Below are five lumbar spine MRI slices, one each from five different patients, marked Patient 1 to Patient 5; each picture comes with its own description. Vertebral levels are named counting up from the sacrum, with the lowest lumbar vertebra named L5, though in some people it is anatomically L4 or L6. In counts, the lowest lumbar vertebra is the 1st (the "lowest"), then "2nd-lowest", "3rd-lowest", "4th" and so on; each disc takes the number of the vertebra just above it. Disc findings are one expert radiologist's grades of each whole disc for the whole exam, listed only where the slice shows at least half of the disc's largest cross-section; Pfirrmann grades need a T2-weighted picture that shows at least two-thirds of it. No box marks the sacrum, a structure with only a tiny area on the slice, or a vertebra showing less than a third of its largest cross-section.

Patient 1 of 5:
Patient sex: F. Lumbar spine MR, T2 SPACE (3D), sagittal.
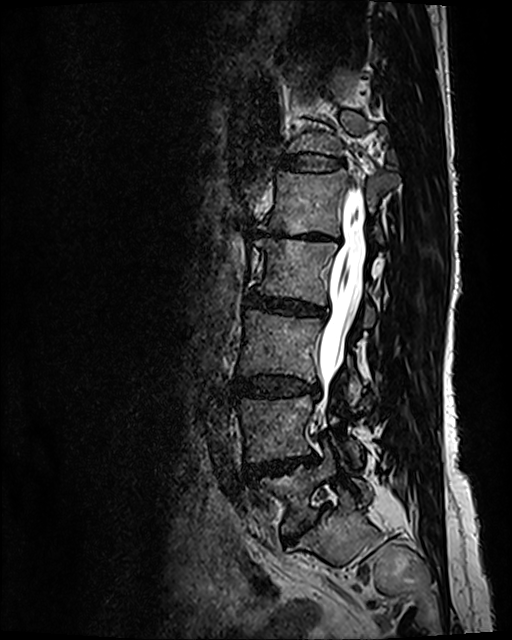
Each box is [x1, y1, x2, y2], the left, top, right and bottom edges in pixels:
Intervertebral disc L3/L4 (3rd-lowest disc): [235, 376, 317, 397].
L4 (2nd-lowest vertebra): [238, 395, 360, 464].
L2/L3 (4th disc): [248, 293, 325, 316].
Spinal canal: [319, 190, 365, 416].
T12/L1 (6th disc): [281, 154, 343, 173].
Intervertebral disc L1/L2 (5th disc): [256, 229, 338, 243].
L5 (lowest vertebra): [254, 440, 369, 532].
L5/S1 (lowest disc): [284, 507, 326, 543].
L3 (3rd-lowest vertebra): [239, 310, 362, 406].
L1 (5th vertebra): [259, 169, 397, 244].
L2 (4th vertebra): [257, 239, 375, 327].
Intervertebral disc L4/L5 (2nd-lowest disc): [246, 456, 315, 479].

Degenerative findings by level:
- L3/L4 (3rd-lowest disc): Pfirrmann grade 3, disc bulging
- T12/L1 (6th disc): Pfirrmann grade 2
- L1/L2 (5th disc): Pfirrmann grade 5, disc bulging, Modic type II, lower-endplate change, upper-endplate change, disc narrowing
- L2/L3 (4th disc): Pfirrmann grade 3, disc bulging, disc narrowing
- L4/L5 (2nd-lowest disc): Modic type II, disc narrowing, disc bulging

Patient 2 of 5:
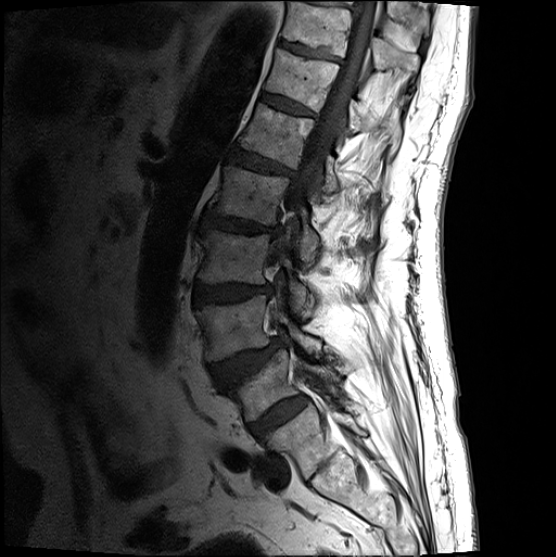 MRI lumbar spine (T1-weighted), sagittal plane; Patient sex: M

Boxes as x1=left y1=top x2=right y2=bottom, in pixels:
7th disc: x1=278 y1=42 x2=340 y2=63.
3rd-lowest disc: x1=194 y1=286 x2=273 y2=308.
7th vertebra: x1=281 y1=3 x2=419 y2=84.
2nd-lowest vertebra: x1=196 y1=297 x2=321 y2=363.
4th disc: x1=201 y1=212 x2=282 y2=239.
6th disc: x1=261 y1=96 x2=315 y2=119.
Lowest disc: x1=247 y1=398 x2=307 y2=439.
Spinal canal: x1=270 y1=0 x2=379 y2=269.
3rd-lowest vertebra: x1=198 y1=231 x2=313 y2=320.
5th vertebra: x1=239 y1=104 x2=341 y2=196.
4th vertebra: x1=208 y1=166 x2=319 y2=263.
6th vertebra: x1=264 y1=51 x2=401 y2=141.
Lowest vertebra: x1=225 y1=351 x2=340 y2=422.
5th disc: x1=228 y1=150 x2=295 y2=180.
2nd-lowest disc: x1=211 y1=341 x2=283 y2=384.

Per-level radiological findings:
• 4th disc: disc bulging, lower-endplate change, upper-endplate change, disc narrowing
• 7th disc: lower-endplate change
• 5th disc: disc bulging, lower-endplate change, upper-endplate change
• 3rd-lowest disc: disc bulging
• 2nd-lowest disc: spondylolisthesis, upper-endplate change, disc herniation
• 6th disc, lowest disc: no spondylolisthesis, narrowing, bulging, herniation, Modic or endplate change recorded

Patient 3 of 5:
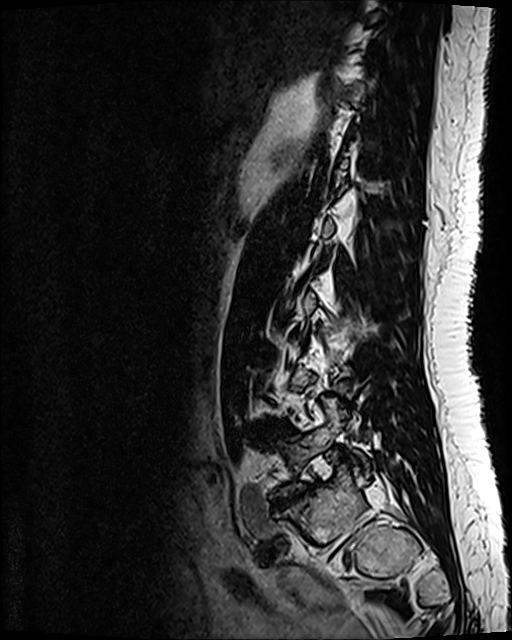

Sex F. Lumbar spine MR, T2 SPACE (3D), sagittal.
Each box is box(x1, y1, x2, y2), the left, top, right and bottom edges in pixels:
Segmented structures:
• L5/S1 at box(275, 484, 313, 507)
• L4/L5 at box(269, 425, 282, 430)

Patient 4 of 5:
MRI lumbar spine (T2 SPACE (3D)), sagittal plane | Sagittal slice index 47 | Patient sex: F

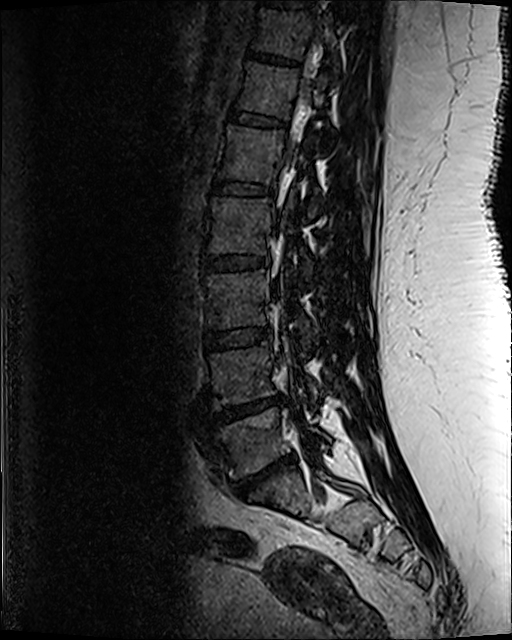

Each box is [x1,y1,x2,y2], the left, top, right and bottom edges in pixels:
Segmented structures:
- 2nd-lowest disc: [214,399,281,423]
- 6th vertebra: [239,63,327,116]
- lowest vertebra: [212,408,331,476]
- 4th vertebra: [208,191,312,278]
- 5th disc: [213,180,271,194]
- 7th disc: [247,51,296,65]
- 4th disc: [204,255,266,271]
- 3rd-lowest vertebra: [208,266,314,348]
- 2nd-lowest vertebra: [210,337,317,406]
- 8th disc: [265,0,311,8]
- 3rd-lowest disc: [206,329,269,350]
- 7th vertebra: [254,9,338,71]
- 6th disc: [229,112,283,127]
- spinal canal: [277,41,318,359]
- lowest disc: [233,455,293,497]
- 5th vertebra: [220,126,318,217]

Per-level radiological findings:
  2nd-lowest disc: Modic type II, upper-endplate change, lower-endplate change, disc narrowing, disc herniation
  3rd-lowest disc: Pfirrmann grade 3
  6th disc: Pfirrmann grade 3
  lowest disc: Pfirrmann grade 5, lower-endplate change, Modic type II, disc narrowing, disc herniation, upper-endplate change
  7th disc: lower-endplate change
  4th disc: Pfirrmann grade 3, lower-endplate change, upper-endplate change
  5th disc: Pfirrmann grade 3, lower-endplate change

Patient 5 of 5:
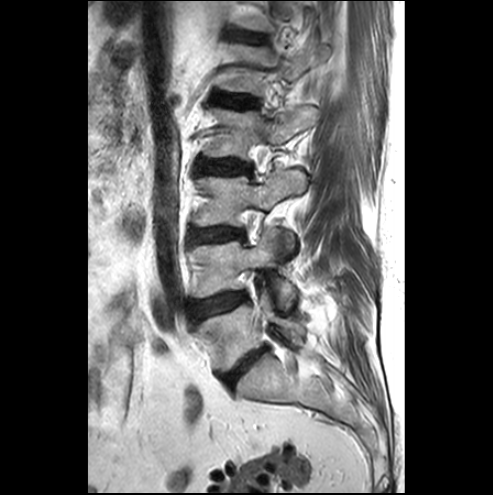

Lumbar spine MR, T2-weighted, sagittal. Slice 8/25. Sex M.

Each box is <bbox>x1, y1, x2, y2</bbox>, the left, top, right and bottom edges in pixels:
L1 (5th vertebra) at <bbox>227, 44, 330, 94</bbox>, L2/L3 (4th disc) at <bbox>201, 160, 249, 174</bbox>, L2 (4th vertebra) at <bbox>207, 107, 319, 159</bbox>, L5/S1 (lowest disc) at <bbox>225, 348, 264, 385</bbox>, L1/L2 (5th disc) at <bbox>220, 96, 255, 107</bbox>, L4 (2nd-lowest vertebra) at <bbox>192, 228, 296, 308</bbox>, IVD L3/L4 (3rd-lowest disc) at <bbox>196, 228, 241, 241</bbox>, L4/L5 (2nd-lowest disc) at <bbox>195, 293, 245, 317</bbox>, L3 (3rd-lowest vertebra) at <bbox>195, 170, 306, 257</bbox>, L5 (lowest vertebra) at <bbox>197, 290, 305, 371</bbox>, T12/L1 (6th disc) at <bbox>241, 33, 263, 40</bbox>.

Degenerative findings by level:
  L4/L5 (2nd-lowest disc): disc bulging, Modic type III